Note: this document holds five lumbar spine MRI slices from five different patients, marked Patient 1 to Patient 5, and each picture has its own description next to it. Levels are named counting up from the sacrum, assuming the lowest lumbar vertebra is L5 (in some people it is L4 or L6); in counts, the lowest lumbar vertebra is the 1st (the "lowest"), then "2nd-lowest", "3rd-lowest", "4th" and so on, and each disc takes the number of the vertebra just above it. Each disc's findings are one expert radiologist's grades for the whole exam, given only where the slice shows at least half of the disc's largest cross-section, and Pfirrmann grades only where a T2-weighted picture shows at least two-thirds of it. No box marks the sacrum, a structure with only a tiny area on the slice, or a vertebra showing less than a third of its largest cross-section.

Patient 1 of 5:
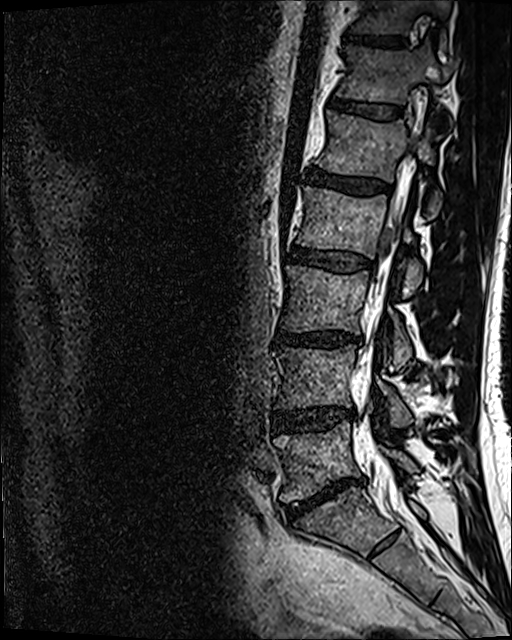
Field of view 240x300 mm. Slice 76 of 120. Lumbar spine MR, T2 SPACE (3D), sagittal.

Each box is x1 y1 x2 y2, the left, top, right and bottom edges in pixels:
Structures:
* 2nd-lowest disc — 272 406 354 430
* 3rd-lowest vertebra — 281 265 411 369
* 7th vertebra — 351 0 452 49
* 2nd-lowest vertebra — 273 346 411 426
* 5th vertebra — 316 112 440 217
* 7th disc — 347 34 401 47
* 4th disc — 289 247 375 271
* 4th vertebra — 297 187 423 296
* 6th disc — 331 97 403 119
* 5th disc — 306 168 391 194
* 3rd-lowest disc — 274 331 361 347
* spinal canal — 361 207 404 507
* lowest vertebra — 274 422 418 503
* 6th vertebra — 337 45 449 104
* lowest disc — 287 476 365 518

Radiological gradings:
  2nd-lowest disc: Pfirrmann grade 3, disc narrowing, disc bulging
  5th disc: Pfirrmann grade 4
  4th disc: Pfirrmann grade 3, disc bulging
  lowest disc: Pfirrmann grade 5, disc bulging, disc narrowing, Modic type II
  3rd-lowest disc: Pfirrmann grade 4, disc narrowing, disc bulging, lower-endplate change
  6th disc: Pfirrmann grade 3
  7th disc: no herniation, bulging, narrowing, spondylolisthesis, endplate or Modic change recorded

Patient 2 of 5:
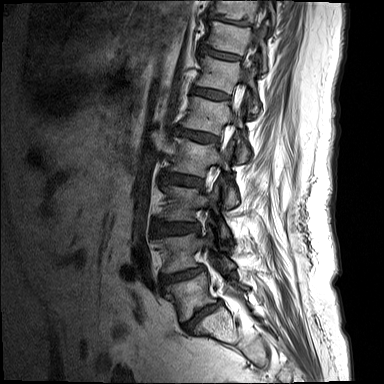
Sagittal T1-weighted lumbar spine MRI | Patient sex: F
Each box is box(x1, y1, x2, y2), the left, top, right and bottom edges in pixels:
Annotations:
* L1 (5th vertebra) at box(182, 97, 250, 164)
* intervertebral disc L1/L2 (5th disc) at box(174, 127, 218, 142)
* L4 (2nd-lowest vertebra) at box(153, 228, 235, 272)
* T11 (7th vertebra) at box(205, 21, 267, 71)
* T10 (8th vertebra) at box(209, 0, 275, 25)
* L5 (lowest vertebra) at box(166, 272, 248, 321)
* L2/L3 (4th disc) at box(162, 173, 201, 187)
* intervertebral disc T11/T12 (7th disc) at box(200, 46, 240, 60)
* L3 (3rd-lowest vertebra) at box(161, 185, 229, 237)
* intervertebral disc L4/L5 (2nd-lowest disc) at box(161, 266, 204, 283)
* T12/L1 (6th disc) at box(192, 86, 228, 99)
* T12 (6th vertebra) at box(196, 56, 258, 113)
* intervertebral disc L5/S1 (lowest disc) at box(183, 301, 221, 331)
* intervertebral disc L3/L4 (3rd-lowest disc) at box(154, 221, 199, 235)
* intervertebral disc T10/T11 (8th disc) at box(206, 13, 250, 25)
* L2 (4th vertebra) at box(168, 137, 238, 206)

Expert MSK radiologist gradings (per disc):
- T10/T11 (8th disc): disc narrowing, lower-endplate change, Modic type II
- T12/L1 (6th disc): Modic type II
- L5/S1 (lowest disc): disc bulging, lower-endplate change, disc narrowing, Modic type II, upper-endplate change
- L3/L4 (3rd-lowest disc): disc bulging
- L1/L2 (5th disc): disc bulging
- L2/L3 (4th disc): disc bulging
- T11/T12 (7th disc): upper-endplate change, Modic type II
- L4/L5 (2nd-lowest disc): disc narrowing, Modic type II, upper-endplate change, disc bulging, lower-endplate change

Patient 3 of 5:
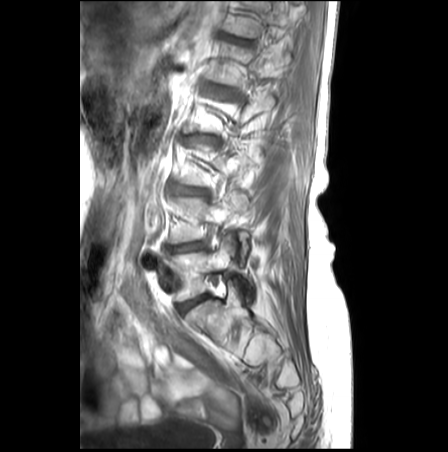 Slice 21/27, Sex F, Lumbar spine MR, T1-weighted, sagittal

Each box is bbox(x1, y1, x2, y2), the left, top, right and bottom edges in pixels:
- IVD L1/L2 at bbox(208, 86, 233, 98)
- L2/L3 at bbox(186, 136, 217, 144)
- T12/L1 at bbox(222, 33, 250, 45)
- L1 vertebra at bbox(205, 44, 278, 85)
- L4/L5 at bbox(165, 242, 205, 254)
- L4 vertebra at bbox(167, 191, 249, 265)
- L5 at bbox(168, 234, 251, 301)
- IVD L5/S1 at bbox(178, 295, 208, 314)
- IVD L3/L4 at bbox(177, 188, 203, 194)
- T12 vertebra at bbox(223, 1, 290, 38)

Per-level radiological findings:
• L1/L2: lower-endplate change, upper-endplate change, disc bulging
• T12/L1: lower-endplate change, upper-endplate change
• L2/L3: Modic type II, upper-endplate change, lower-endplate change, disc narrowing, disc bulging
• L4/L5: disc narrowing, lower-endplate change, Modic type II, upper-endplate change, disc bulging

Patient 4 of 5:
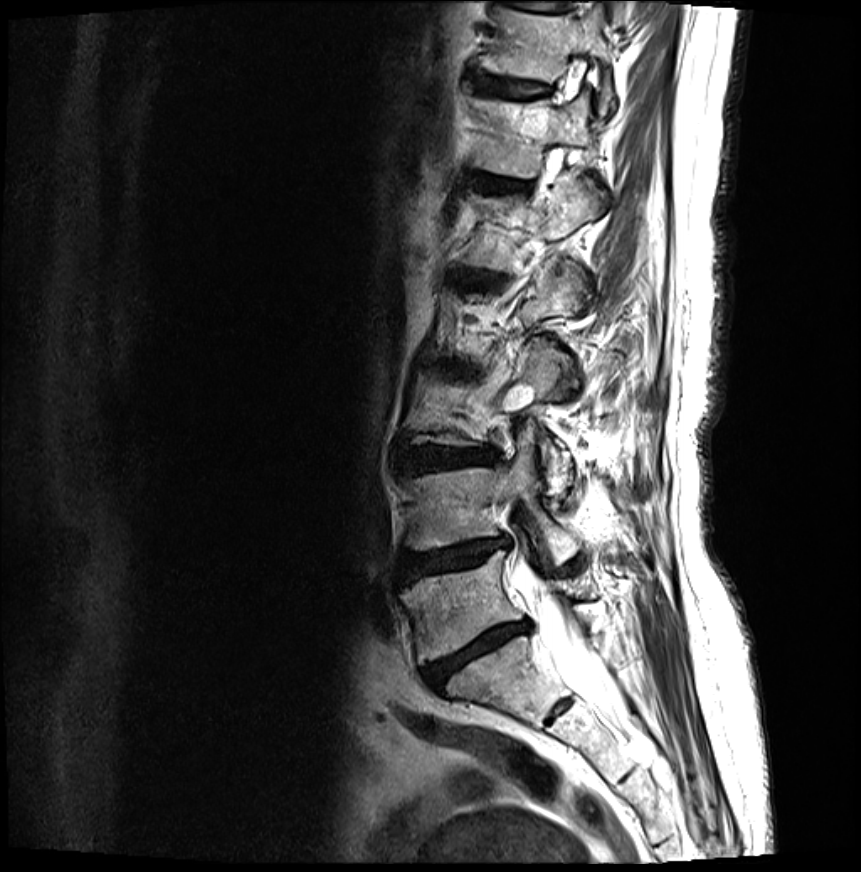 Sagittal T2-weighted lumbar spine MRI
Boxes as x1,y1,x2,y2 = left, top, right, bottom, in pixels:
6th vertebra: 474,92,596,179
thecal sac / spinal canal: 521,586,624,718
lowest vertebra: 400,552,586,663
6th disc: 474,175,525,193
7th disc: 477,76,549,100
7th vertebra: 481,7,614,115
2nd-lowest vertebra: 404,428,581,565
2nd-lowest disc: 400,538,508,582
lowest disc: 424,622,527,689
3rd-lowest disc: 407,447,492,471

Radiological gradings:
  2nd-lowest disc: Pfirrmann grade 4, lower-endplate change, disc narrowing, upper-endplate change, disc herniation, Modic type II, disc bulging
  3rd-lowest disc: lower-endplate change, Modic type II, upper-endplate change, disc narrowing, disc bulging
  lowest disc: Pfirrmann grade 5, lower-endplate change, upper-endplate change, Modic type II, disc bulging, disc narrowing
  7th disc: Pfirrmann grade 2, upper-endplate change, lower-endplate change, Modic type II

Patient 5 of 5:
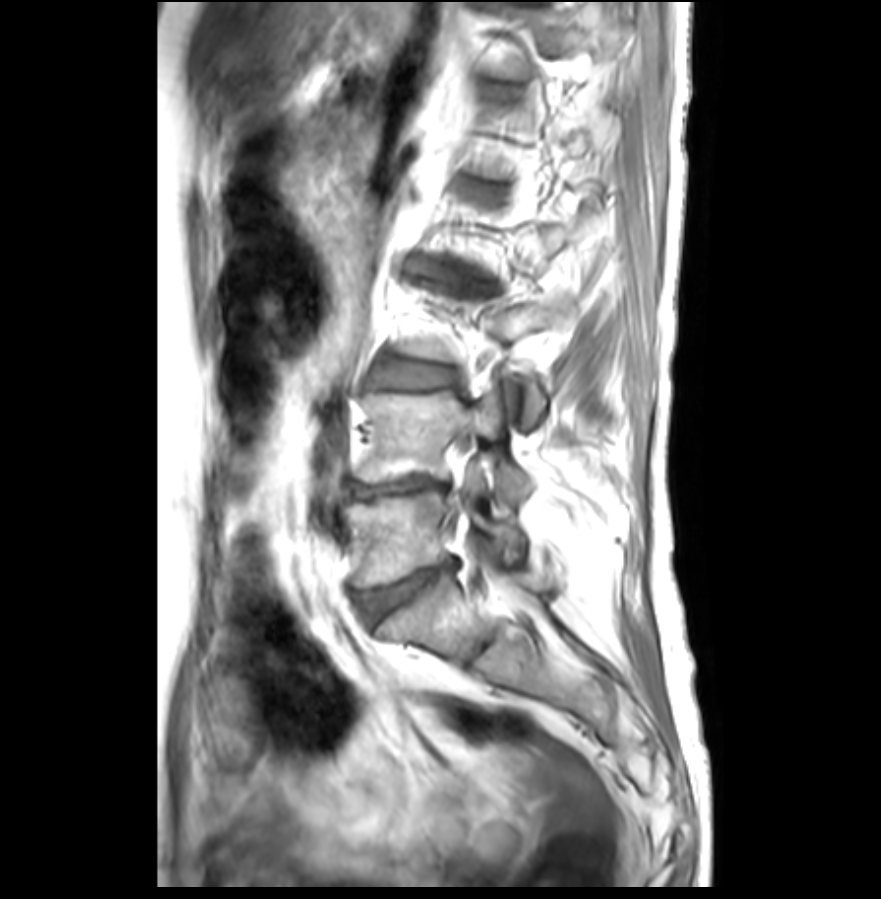 Sagittal T1-weighted lumbar spine MRI; Slice spacing 3.3 mm; 881x899 px; Sex F

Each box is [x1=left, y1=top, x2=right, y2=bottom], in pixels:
Segmented structures:
- L2/L3 — [x1=403, y1=258, x2=491, y2=291]
- L5 vertebra — [x1=348, y1=462, x2=526, y2=587]
- disc L3/L4 — [x1=374, y1=362, x2=457, y2=388]
- L5/S1 — [x1=360, y1=562, x2=457, y2=619]
- L4 vertebra — [x1=360, y1=389, x2=532, y2=501]
- disc L4/L5 — [x1=356, y1=480, x2=447, y2=496]
- disc L1/L2 — [x1=464, y1=181, x2=505, y2=203]
- T12/L1 — [x1=486, y1=81, x2=512, y2=98]

Per-level radiological findings:
  L2/L3: disc narrowing, disc herniation, Modic type II, upper-endplate change, lower-endplate change, disc bulging
  L4/L5: Modic type II, disc bulging, disc narrowing
  L5/S1: disc bulging, upper-endplate change, lower-endplate change, disc narrowing
  L3/L4: Modic type II, disc bulging